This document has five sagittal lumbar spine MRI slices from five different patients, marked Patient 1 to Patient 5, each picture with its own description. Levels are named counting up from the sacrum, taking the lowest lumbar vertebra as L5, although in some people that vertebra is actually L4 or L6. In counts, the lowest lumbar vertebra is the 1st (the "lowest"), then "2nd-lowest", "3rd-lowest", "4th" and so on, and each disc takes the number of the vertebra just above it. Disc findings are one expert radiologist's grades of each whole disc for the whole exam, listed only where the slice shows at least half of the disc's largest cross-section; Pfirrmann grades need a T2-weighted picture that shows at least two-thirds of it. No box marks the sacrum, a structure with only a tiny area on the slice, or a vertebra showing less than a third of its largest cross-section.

Patient 1 of 5:
Lumbar spine MR, T2 SPACE (3D), sagittal; Slice 35 of 120

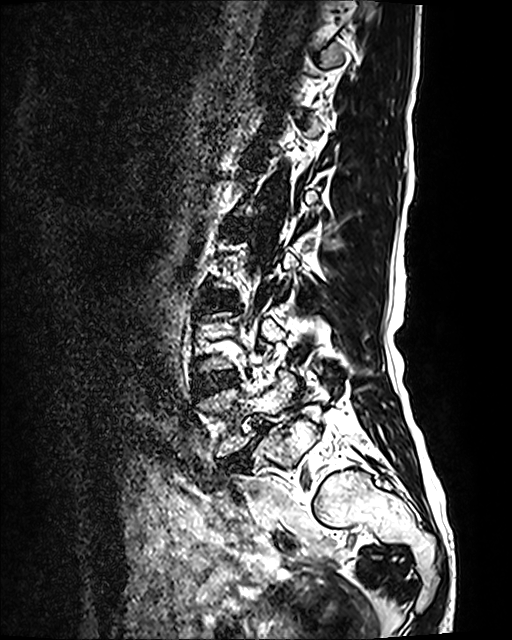
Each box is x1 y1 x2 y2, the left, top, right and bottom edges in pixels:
L4/L5 (2nd-lowest disc) — 193 371 236 396 | L3/L4 (3rd-lowest disc) — 204 292 231 306 | L5 (lowest vertebra) — 196 370 295 456 | intervertebral disc L5/S1 (lowest disc) — 223 422 267 468

Patient 2 of 5:
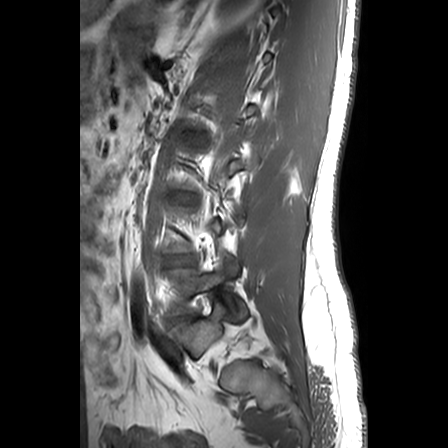

Sex M. Lumbar spine MR, T1-weighted, sagittal.
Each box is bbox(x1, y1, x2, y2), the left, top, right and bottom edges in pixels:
L4/L5: bbox(169, 257, 188, 264).
L5: bbox(165, 261, 238, 315).

Patient 3 of 5:
MRI lumbar spine (T2 SPACE (3D)), sagittal plane | 551x697 px | Slice 92 of 130 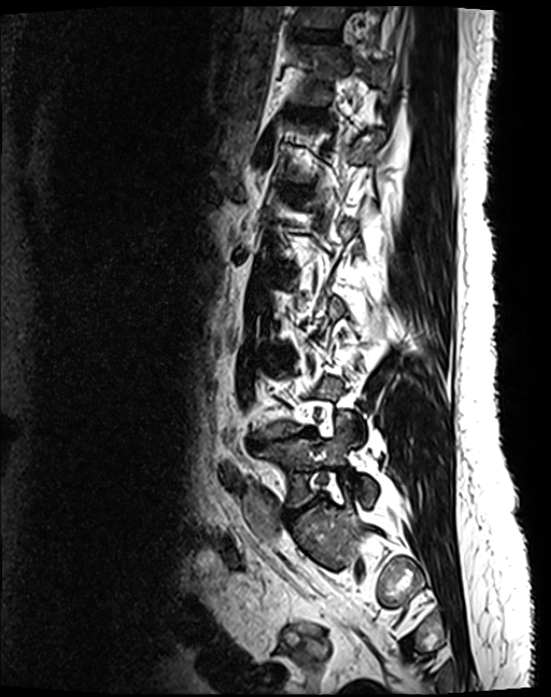
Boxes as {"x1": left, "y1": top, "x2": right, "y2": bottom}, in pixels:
3rd-lowest disc: {"x1": 273, "y1": 352, "x2": 292, "y2": 361}.
6th vertebra: {"x1": 288, "y1": 43, "x2": 380, "y2": 105}.
Lowest disc: {"x1": 283, "y1": 498, "x2": 320, "y2": 520}.
2nd-lowest disc: {"x1": 249, "y1": 429, "x2": 315, "y2": 448}.
Lowest vertebra: {"x1": 255, "y1": 415, "x2": 376, "y2": 507}.
7th vertebra: {"x1": 294, "y1": 5, "x2": 379, "y2": 26}.
5th disc: {"x1": 278, "y1": 185, "x2": 295, "y2": 192}.
6th disc: {"x1": 287, "y1": 106, "x2": 322, "y2": 115}.
7th disc: {"x1": 290, "y1": 29, "x2": 336, "y2": 40}.

Per-level radiological findings:
  2nd-lowest disc: disc bulging, Modic type II, lower-endplate change, upper-endplate change, disc narrowing
  7th disc: no Modic or endplate change, herniation, narrowing, bulging or spondylolisthesis recorded

Patient 4 of 5:
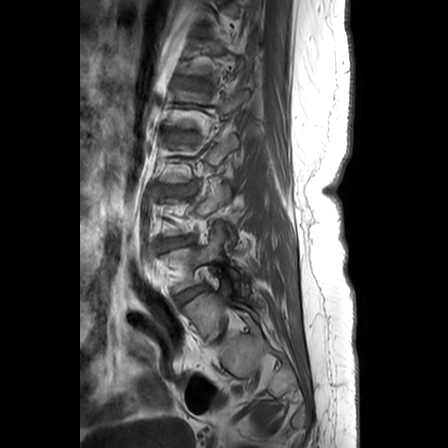 MRI lumbar spine (T1-weighted), sagittal plane; Field of view 280x280 mm, slice spacing 3.3 mm

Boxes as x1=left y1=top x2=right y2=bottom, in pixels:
L1/L2 (5th disc): x1=169 y1=132 x2=189 y2=138.
L3/L4 (3rd-lowest disc): x1=161 y1=238 x2=188 y2=248.
Intervertebral disc L2/L3 (4th disc): x1=163 y1=186 x2=188 y2=193.
L4/L5 (2nd-lowest disc): x1=181 y1=286 x2=203 y2=300.
Intervertebral disc T12/L1 (6th disc): x1=181 y1=78 x2=203 y2=87.
L5 (lowest vertebra): x1=183 y1=280 x2=258 y2=339.
L4 (2nd-lowest vertebra): x1=167 y1=227 x2=248 y2=296.

Patient 5 of 5:
Slice 59/120, Sagittal T2 SPACE (3D) lumbar spine MRI 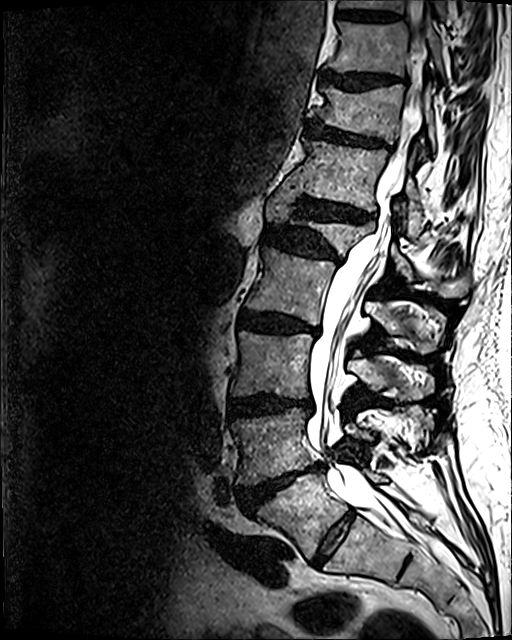 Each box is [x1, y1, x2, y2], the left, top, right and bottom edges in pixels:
Annotations:
* thecal sac / spinal canal: [307, 1, 448, 558]
* 5th disc: [264, 226, 342, 261]
* 8th vertebra: [327, 22, 445, 82]
* 3rd-lowest disc: [229, 396, 313, 416]
* 2nd-lowest vertebra: [232, 406, 430, 484]
* lowest disc: [311, 511, 355, 566]
* lowest vertebra: [260, 470, 387, 558]
* 6th disc: [296, 197, 371, 220]
* 2nd-lowest disc: [241, 463, 322, 511]
* 9th disc: [337, 10, 397, 21]
* 7th vertebra: [307, 84, 435, 151]
* 7th disc: [306, 122, 386, 146]
* 5th vertebra: [266, 185, 467, 297]
* 4th disc: [239, 311, 318, 334]
* 6th vertebra: [287, 138, 427, 236]
* 4th vertebra: [246, 247, 438, 354]
* 8th disc: [320, 72, 399, 89]
* 3rd-lowest vertebra: [230, 332, 433, 398]

Expert MSK radiologist gradings (per disc):
• 4th disc: Pfirrmann grade 4, Modic type II, disc narrowing, disc bulging, upper-endplate change, lower-endplate change
• 5th disc: Pfirrmann grade 4, upper-endplate change, lower-endplate change, disc bulging, disc narrowing
• 7th disc: Pfirrmann grade 4, upper-endplate change, disc bulging, disc narrowing, lower-endplate change
• 9th disc: Pfirrmann grade 3, lower-endplate change
• 8th disc: Pfirrmann grade 4, upper-endplate change, disc bulging, lower-endplate change
• 3rd-lowest disc: Pfirrmann grade 4, disc narrowing, upper-endplate change, disc bulging, lower-endplate change
• 2nd-lowest disc: Pfirrmann grade 5, lower-endplate change, upper-endplate change, Modic type II, disc narrowing, disc bulging, disc herniation
• 6th disc: Pfirrmann grade 4, disc narrowing, upper-endplate change, disc bulging, lower-endplate change
• lowest disc: Pfirrmann grade 2